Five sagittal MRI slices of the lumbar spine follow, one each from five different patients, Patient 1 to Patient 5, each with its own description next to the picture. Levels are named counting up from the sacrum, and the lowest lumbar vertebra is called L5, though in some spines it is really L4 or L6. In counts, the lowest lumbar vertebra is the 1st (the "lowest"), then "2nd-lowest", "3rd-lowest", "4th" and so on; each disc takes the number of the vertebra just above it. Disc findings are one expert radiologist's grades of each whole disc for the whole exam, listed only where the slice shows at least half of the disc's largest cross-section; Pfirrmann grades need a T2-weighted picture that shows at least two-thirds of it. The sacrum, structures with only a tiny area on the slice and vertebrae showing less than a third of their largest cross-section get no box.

Patient 1 of 5:
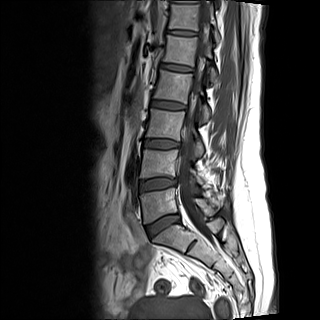 T1-weighted sagittal MRI of the lumbar spine; Patient sex: F; Slice 8/15
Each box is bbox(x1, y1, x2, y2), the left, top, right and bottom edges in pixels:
• disc L1/L2 (5th disc) = bbox(160, 64, 191, 71)
• L4 (2nd-lowest vertebra) = bbox(140, 149, 204, 185)
• T12/L1 (6th disc) = bbox(166, 30, 196, 35)
• L3 (3rd-lowest vertebra) = bbox(146, 109, 203, 155)
• spinal canal = bbox(177, 0, 214, 243)
• disc L4/L5 (2nd-lowest disc) = bbox(140, 178, 175, 191)
• disc L2/L3 (4th disc) = bbox(151, 101, 184, 109)
• L5 (lowest vertebra) = bbox(140, 188, 213, 223)
• T12 (6th vertebra) = bbox(169, 4, 220, 43)
• L2 (4th vertebra) = bbox(153, 70, 210, 126)
• L3/L4 (3rd-lowest disc) = bbox(145, 139, 180, 148)
• disc L5/S1 (lowest disc) = bbox(146, 215, 179, 236)
• L1 (5th vertebra) = bbox(162, 35, 216, 81)

Per-level radiological findings:
  L5/S1 (lowest disc): disc bulging
  L4/L5 (2nd-lowest disc): Modic type II, disc bulging
  L1/L2 (5th disc), L2/L3 (4th disc), T12/L1 (6th disc), L3/L4 (3rd-lowest disc): no herniation, bulging, narrowing, spondylolisthesis, endplate or Modic change recorded

Patient 2 of 5:
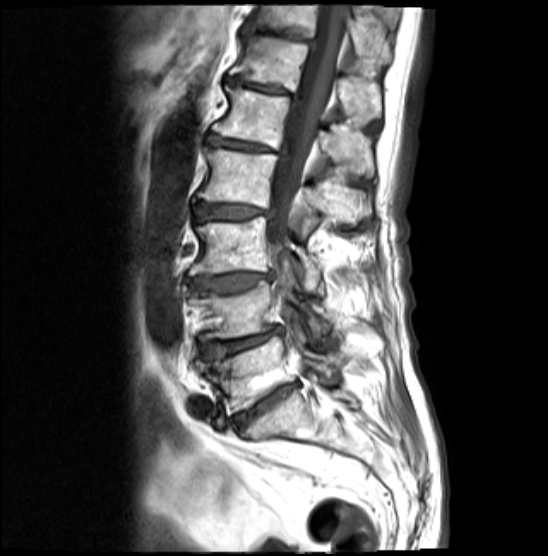

Image 548x556, MRI lumbar spine (T1-weighted), sagittal plane

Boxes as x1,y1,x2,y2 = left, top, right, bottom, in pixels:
2nd-lowest vertebra = 188,262,330,341.
6th vertebra = 230,38,381,119.
3rd-lowest disc = 190,272,273,292.
7th disc = 245,27,316,46.
5th vertebra = 212,86,374,178.
3rd-lowest vertebra = 190,217,321,292.
7th vertebra = 250,5,391,64.
2nd-lowest disc = 200,327,282,359.
Lowest vertebra = 197,335,337,411.
5th disc = 207,135,285,157.
6th disc = 226,78,299,100.
Lowest disc = 235,383,297,429.
4th disc = 194,203,275,221.
Thecal sac / spinal canal = 267,5,347,297.
4th vertebra = 197,150,371,235.

Degenerative findings by level:
  lowest disc: Modic type II, lower-endplate change, disc narrowing, disc bulging, upper-endplate change
  2nd-lowest disc: Modic type II, lower-endplate change, disc narrowing, upper-endplate change, disc bulging
  4th disc: upper-endplate change, disc bulging, Modic type II, disc narrowing, lower-endplate change
  6th disc: lower-endplate change, disc narrowing, upper-endplate change, Modic type II, disc bulging
  7th disc: upper-endplate change, disc bulging, disc narrowing, lower-endplate change, Modic type II
  3rd-lowest disc: disc bulging, Modic type II, upper-endplate change, lower-endplate change
  5th disc: disc narrowing, disc bulging, upper-endplate change, lower-endplate change, Modic type II

Patient 3 of 5:
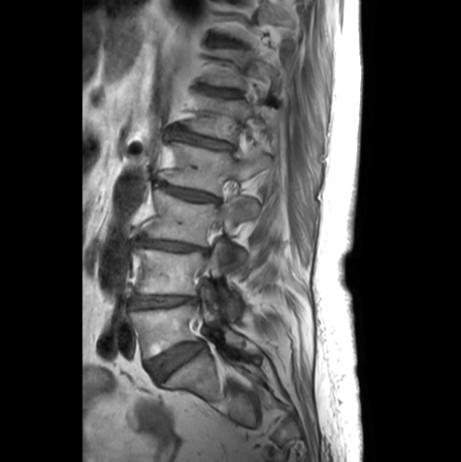
Slice 8 of 24, Sagittal T1-weighted lumbar spine MRI

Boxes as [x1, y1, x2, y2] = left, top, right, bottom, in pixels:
Intervertebral disc T12/L1 at [205, 87, 238, 97], L5 vertebra at [130, 285, 244, 357], L4/L5 at [131, 295, 198, 307], L1 vertebra at [187, 95, 275, 141], L3 vertebra at [150, 188, 261, 273], L1/L2 at [178, 132, 232, 148], L4 at [135, 242, 240, 321], intervertebral disc L2/L3 at [161, 183, 217, 200], L2 at [167, 142, 272, 194], L5/S1 at [148, 342, 204, 380], intervertebral disc L3/L4 at [137, 234, 206, 251].

Expert MSK radiologist gradings (per disc):
  L3/L4: Modic type II, upper-endplate change, disc narrowing, lower-endplate change
  L2/L3: lower-endplate change, upper-endplate change, disc narrowing
  L5/S1: Modic type II
  T12/L1: upper-endplate change
  L1/L2: lower-endplate change, disc bulging, upper-endplate change, disc narrowing
  L4/L5: disc narrowing, Modic type II

Patient 4 of 5:
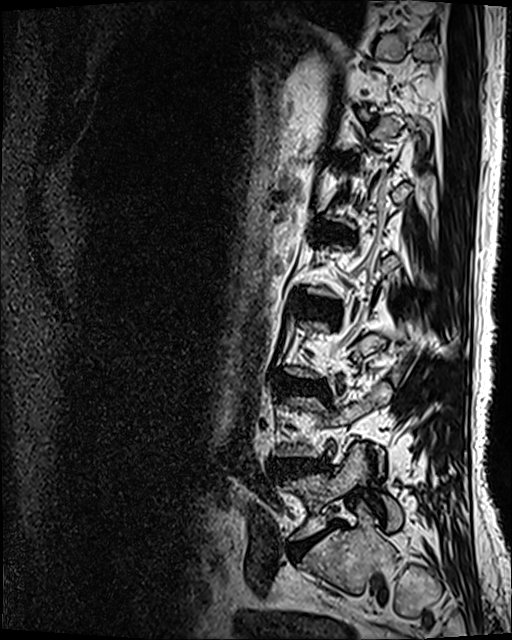

Slice 90 of 120; MRI lumbar spine (T2 SPACE (3D)), sagittal plane; 512x640 px; Patient sex: M

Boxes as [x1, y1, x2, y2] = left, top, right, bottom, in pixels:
Disc L1/L2 — [315, 224, 352, 241].
Disc L3/L4 — [274, 376, 327, 395].
Disc L5/S1 — [288, 522, 340, 559].
L5 vertebra — [283, 444, 403, 539].
Disc L2/L3 — [295, 296, 340, 321].
L4/L5 — [272, 460, 327, 478].

Patient 5 of 5:
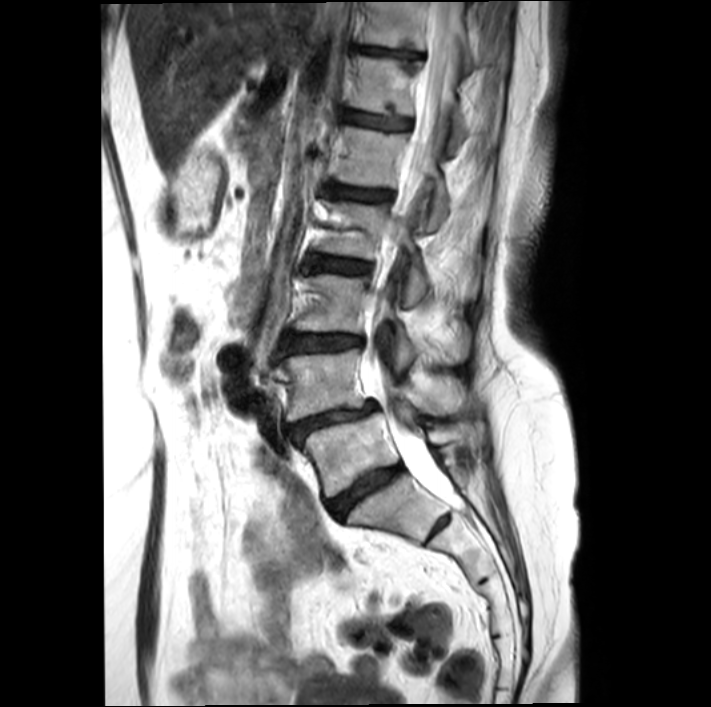

Sagittal T2-weighted lumbar spine MRI; Patient sex: F
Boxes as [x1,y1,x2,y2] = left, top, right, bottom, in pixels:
3rd-lowest vertebra: [296,274,466,370] | 7th vertebra: [360,2,480,64] | lowest disc: [329,465,403,518] | 3rd-lowest disc: [285,333,361,353] | 6th disc: [342,110,411,130] | 6th vertebra: [349,56,465,142] | 4th disc: [310,256,368,273] | thecal sac / spinal canal: [360,2,460,508] | 5th disc: [325,185,391,202] | lowest vertebra: [304,413,473,496] | 5th vertebra: [334,126,448,229] | 2nd-lowest disc: [290,402,375,441] | 7th disc: [361,47,420,58] | 4th vertebra: [321,201,477,305] | 2nd-lowest vertebra: [284,349,466,420]

Per-level radiological findings:
- 2nd-lowest disc: Pfirrmann grade 4, disc narrowing, lower-endplate change, spondylolisthesis, disc bulging, Modic type II
- lowest disc: Pfirrmann grade 4, disc bulging, lower-endplate change, Modic type II, disc narrowing
- 7th disc: Pfirrmann grade 4, upper-endplate change, disc bulging, lower-endplate change
- 6th disc: Pfirrmann grade 3, upper-endplate change, lower-endplate change, Modic type II
- 3rd-lowest disc: Pfirrmann grade 3, Modic type II, lower-endplate change, upper-endplate change, disc bulging
- 5th disc: Pfirrmann grade 3, Modic type II, lower-endplate change
- 4th disc: upper-endplate change, Modic type II